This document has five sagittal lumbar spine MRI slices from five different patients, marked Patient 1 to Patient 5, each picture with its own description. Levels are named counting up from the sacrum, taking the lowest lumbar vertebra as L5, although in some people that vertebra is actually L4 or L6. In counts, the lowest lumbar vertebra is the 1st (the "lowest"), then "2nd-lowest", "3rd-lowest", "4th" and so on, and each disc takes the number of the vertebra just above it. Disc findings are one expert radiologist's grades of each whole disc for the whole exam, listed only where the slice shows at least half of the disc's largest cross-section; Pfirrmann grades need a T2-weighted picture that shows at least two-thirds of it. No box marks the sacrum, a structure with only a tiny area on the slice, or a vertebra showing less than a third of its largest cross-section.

Patient 1 of 5:
Sagittal T2-weighted lumbar spine MRI, Slice 15 of 26
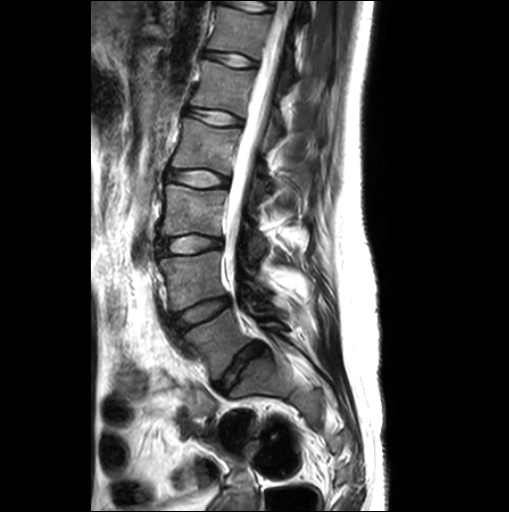 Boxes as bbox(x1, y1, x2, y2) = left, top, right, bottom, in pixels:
Spinal canal at bbox(225, 1, 289, 264); disc L5/S1 (lowest disc) at bbox(214, 342, 264, 393); L3/L4 (3rd-lowest disc) at bbox(156, 235, 221, 259); L3 (3rd-lowest vertebra) at bbox(161, 184, 266, 263); T12 (6th vertebra) at bbox(208, 6, 294, 85); L1 (5th vertebra) at bbox(191, 60, 283, 141); L2/L3 (4th disc) at bbox(165, 168, 229, 186); L5 (lowest vertebra) at bbox(184, 308, 288, 379); L1/L2 (5th disc) at bbox(186, 108, 241, 125); L4/L5 (2nd-lowest disc) at bbox(172, 296, 230, 330); L4 (2nd-lowest vertebra) at bbox(159, 251, 271, 310); disc T12/L1 (6th disc) at bbox(204, 51, 256, 66); L2 (4th vertebra) at bbox(172, 118, 271, 196).

Degenerative findings by level:
  L5/S1 (lowest disc): Pfirrmann grade 3, disc bulging, upper-endplate change, lower-endplate change
  L4/L5 (2nd-lowest disc): Pfirrmann grade 1, disc bulging
  L3/L4 (3rd-lowest disc): Pfirrmann grade 1, disc bulging
  T12/L1 (6th disc): Pfirrmann grade 1
  L1/L2 (5th disc): Pfirrmann grade 1
  L2/L3 (4th disc): Pfirrmann grade 1

Patient 2 of 5:
Field of view 280x282 mm | 448x450 px | Lumbar spine MR, T2-weighted, sagittal | Sagittal slice index 8
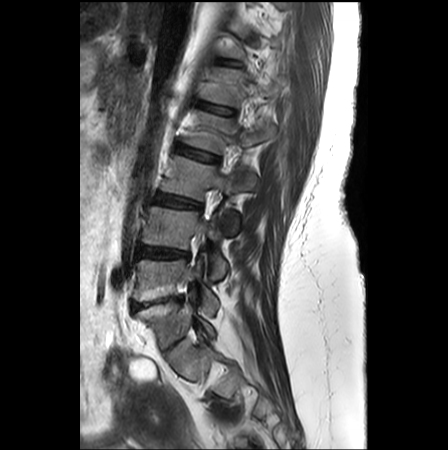
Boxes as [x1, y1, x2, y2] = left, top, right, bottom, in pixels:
{"L4": "[143, 206, 227, 278]", "L2": "[183, 111, 273, 153]", "L4/L5": "[137, 245, 189, 259]", "L1 vertebra": "[201, 68, 281, 106]", "L1/L2": "[197, 100, 232, 115]", "L5/S1": "[132, 296, 182, 310]", "L3": "[161, 156, 257, 234]", "intervertebral disc L2/L3": "[176, 144, 218, 162]", "L5": "[133, 260, 218, 314]", "intervertebral disc L3/L4": "[153, 193, 201, 207]", "T12/L1": "[221, 60, 238, 66]"}

Degenerative findings by level:
- L4/L5: Pfirrmann grade 4, disc bulging, disc herniation
- L2/L3: Pfirrmann grade 2, upper-endplate change, lower-endplate change
- L5/S1: Modic type II, spondylolisthesis, disc bulging, disc narrowing
- L1/L2: lower-endplate change, upper-endplate change
- L3/L4: Pfirrmann grade 3, disc bulging, Modic type II

Patient 3 of 5:
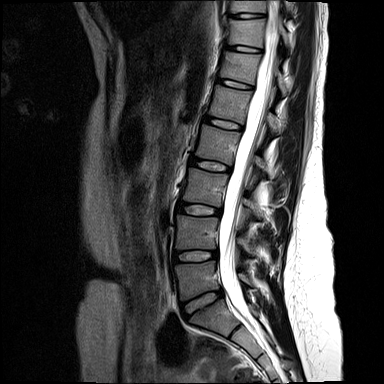
T2-weighted sagittal MRI of the lumbar spine; Slice 7/15

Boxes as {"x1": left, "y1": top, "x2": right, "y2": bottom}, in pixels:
5th disc — {"x1": 204, "y1": 117, "x2": 242, "y2": 129}.
3rd-lowest vertebra — {"x1": 183, "y1": 168, "x2": 259, "y2": 216}.
2nd-lowest disc — {"x1": 174, "y1": 251, "x2": 217, "y2": 262}.
2nd-lowest vertebra — {"x1": 176, "y1": 215, "x2": 253, "y2": 254}.
7th vertebra — {"x1": 228, "y1": 19, "x2": 288, "y2": 47}.
8th vertebra — {"x1": 231, "y1": 1, "x2": 288, "y2": 12}.
3rd-lowest disc — {"x1": 179, "y1": 202, "x2": 220, "y2": 215}.
7th disc — {"x1": 227, "y1": 45, "x2": 259, "y2": 52}.
5th vertebra — {"x1": 209, "y1": 85, "x2": 279, "y2": 133}.
Lowest disc — {"x1": 182, "y1": 291, "x2": 223, "y2": 317}.
4th disc — {"x1": 191, "y1": 157, "x2": 228, "y2": 170}.
Thecal sac / spinal canal — {"x1": 219, "y1": 1, "x2": 280, "y2": 319}.
4th vertebra — {"x1": 196, "y1": 125, "x2": 267, "y2": 174}.
6th vertebra — {"x1": 220, "y1": 52, "x2": 288, "y2": 94}.
8th disc — {"x1": 232, "y1": 13, "x2": 262, "y2": 17}.
Lowest vertebra — {"x1": 175, "y1": 261, "x2": 252, "y2": 299}.
6th disc — {"x1": 217, "y1": 78, "x2": 251, "y2": 87}.

Degenerative findings by level:
- 2nd-lowest disc: Pfirrmann grade 2
- 7th disc: Pfirrmann grade 1
- 8th disc: Pfirrmann grade 1
- 4th disc: Pfirrmann grade 1
- 6th disc: Pfirrmann grade 1
- 5th disc: Pfirrmann grade 1
- lowest disc: Pfirrmann grade 2
- 3rd-lowest disc: Pfirrmann grade 1

Patient 4 of 5:
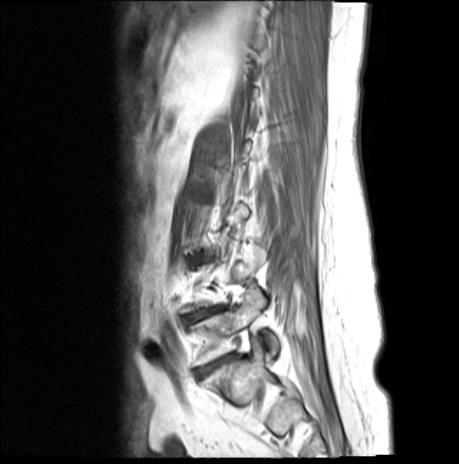

Image 459x464, Field of view 260x263 mm, slice spacing 4.8 mm, MRI lumbar spine (T1-weighted), sagittal plane, Sagittal slice index 3
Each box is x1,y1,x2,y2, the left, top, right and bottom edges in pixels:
L5/S1 (lowest disc): 199,354,234,374.
IVD L4/L5 (2nd-lowest disc): 188,310,207,321.
L5 (lowest vertebra): 192,289,277,365.

Patient 5 of 5:
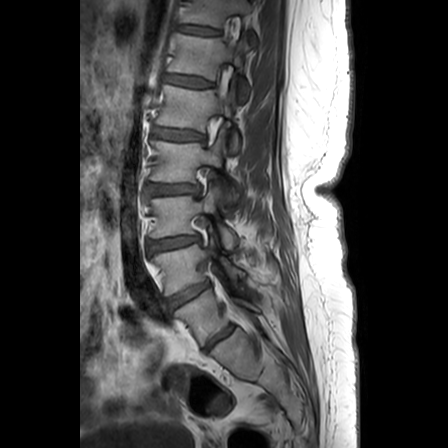 Patient sex: F | Sagittal T1-weighted lumbar spine MRI | Image 448x448

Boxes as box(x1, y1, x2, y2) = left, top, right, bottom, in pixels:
* L1/L2 = box(154, 127, 203, 140)
* L2/L3 = box(147, 184, 198, 194)
* IVD L5/S1 = box(205, 324, 234, 351)
* L2 = box(151, 128, 240, 202)
* L4 = box(152, 227, 248, 295)
* L5 vertebra = box(176, 288, 261, 345)
* IVD T12/L1 = box(166, 75, 212, 87)
* IVD L4/L5 = box(168, 283, 207, 308)
* L3/L4 = box(151, 235, 199, 250)
* T12 = box(169, 32, 249, 102)
* T11 = box(182, 0, 257, 44)
* T11/T12 = box(180, 26, 219, 36)
* L3 = box(152, 184, 237, 249)
* L1 vertebra = box(156, 79, 239, 152)

Expert MSK radiologist gradings (per disc):
• L4/L5: disc bulging, disc narrowing
• T11/T12: lower-endplate change, upper-endplate change
• T12/L1: upper-endplate change, lower-endplate change
• L3/L4: disc bulging, lower-endplate change, upper-endplate change
• L2/L3: disc bulging, upper-endplate change, lower-endplate change
• L1/L2: lower-endplate change, disc bulging, upper-endplate change
• L5/S1: no Modic or endplate change, herniation, narrowing, bulging or spondylolisthesis recorded